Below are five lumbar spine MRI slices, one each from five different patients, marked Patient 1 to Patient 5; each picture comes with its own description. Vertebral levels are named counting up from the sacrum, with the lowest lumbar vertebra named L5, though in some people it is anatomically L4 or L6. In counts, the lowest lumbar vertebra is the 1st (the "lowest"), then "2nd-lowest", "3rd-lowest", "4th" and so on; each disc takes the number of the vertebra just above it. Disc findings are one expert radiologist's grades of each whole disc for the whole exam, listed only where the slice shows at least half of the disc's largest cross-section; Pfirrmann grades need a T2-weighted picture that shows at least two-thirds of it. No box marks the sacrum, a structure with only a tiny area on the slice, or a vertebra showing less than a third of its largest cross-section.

Patient 1 of 5:
Sagittal slice index 8. 658x659 px. MRI lumbar spine (T2-weighted), sagittal plane.

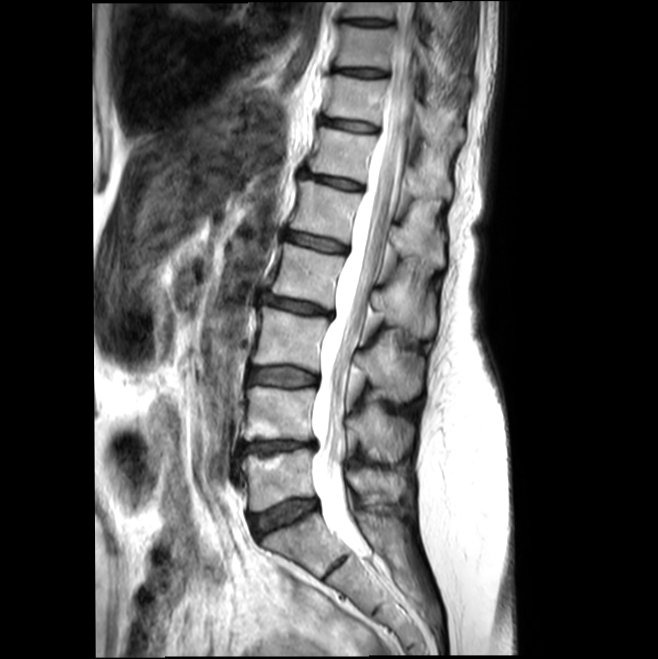

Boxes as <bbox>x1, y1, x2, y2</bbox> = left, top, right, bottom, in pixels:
Intervertebral disc L5/S1 = <bbox>250, 499, 315, 537</bbox>.
Intervertebral disc T10/T11 = <bbox>335, 67, 384, 78</bbox>.
L2 = <bbox>271, 242, 437, 337</bbox>.
L1 = <bbox>289, 181, 444, 271</bbox>.
L5 vertebra = <bbox>241, 448, 405, 511</bbox>.
Intervertebral disc L4/L5 = <bbox>241, 441, 317, 452</bbox>.
T12/L1 = <bbox>301, 172, 365, 190</bbox>.
T9/T10 = <bbox>348, 19, 387, 26</bbox>.
Intervertebral disc L1/L2 = <bbox>286, 232, 348, 254</bbox>.
T11 vertebra = <bbox>324, 74, 464, 152</bbox>.
T10 vertebra = <bbox>336, 22, 468, 87</bbox>.
Intervertebral disc T11/T12 = <bbox>321, 118, 379, 133</bbox>.
T9 vertebra = <bbox>343, 2, 446, 29</bbox>.
L3 vertebra = <bbox>251, 306, 426, 401</bbox>.
Thecal sac / spinal canal = <bbox>311, 2, 414, 552</bbox>.
L3/L4 = <bbox>248, 367, 318, 386</bbox>.
T12 vertebra = <bbox>309, 127, 451, 199</bbox>.
L2/L3 = <bbox>261, 293, 333, 318</bbox>.
L4 vertebra = <bbox>241, 386, 413, 461</bbox>.

Degenerative findings by level:
- T11/T12: Pfirrmann grade 2
- T9/T10: Pfirrmann grade 2
- L4/L5: Pfirrmann grade 3, upper-endplate change, lower-endplate change, disc bulging, Modic type II
- L5/S1: Pfirrmann grade 2, disc bulging
- T10/T11: Pfirrmann grade 2
- L1/L2: Pfirrmann grade 2
- L2/L3: Pfirrmann grade 2, disc bulging
- L3/L4: Pfirrmann grade 2, disc bulging, Modic type II
- T12/L1: Pfirrmann grade 2

Patient 2 of 5:
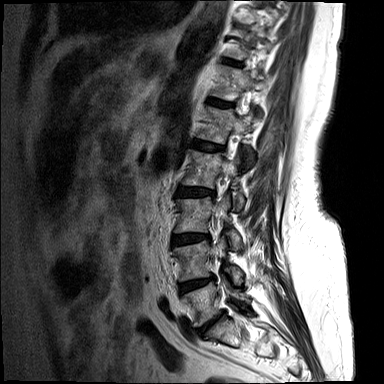 Sex F; Sagittal T2-weighted lumbar spine MRI
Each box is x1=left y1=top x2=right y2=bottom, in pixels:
T12: x1=212 y1=67 x2=263 y2=100 | disc L3/L4: x1=172 y1=233 x2=210 y2=246 | L4 vertebra: x1=173 y1=237 x2=241 y2=285 | spinal canal: x1=216 y1=132 x2=239 y2=218 | L4/L5: x1=179 y1=274 x2=215 y2=293 | L2/L3: x1=177 y1=186 x2=213 y2=196 | L3: x1=174 y1=196 x2=241 y2=250 | L2 vertebra: x1=182 y1=150 x2=243 y2=209 | L1: x1=198 y1=106 x2=254 y2=167 | L5 vertebra: x1=182 y1=279 x2=247 y2=326 | T11/T12: x1=225 y1=59 x2=240 y2=65 | L5/S1: x1=196 y1=313 x2=222 y2=335 | disc L1/L2: x1=192 y1=141 x2=223 y2=150 | disc T12/L1: x1=209 y1=99 x2=233 y2=107

Expert MSK radiologist gradings (per disc):
- L2/L3: Pfirrmann grade 3, Modic type II, disc bulging
- L5/S1: Modic type II, disc narrowing, disc bulging
- L4/L5: Pfirrmann grade 4, disc bulging, disc narrowing
- L3/L4: Pfirrmann grade 4, disc narrowing, disc bulging
- L1/L2: Pfirrmann grade 3, Modic type II
- T12/L1: no herniation, bulging, narrowing, spondylolisthesis, endplate or Modic change recorded

Patient 3 of 5:
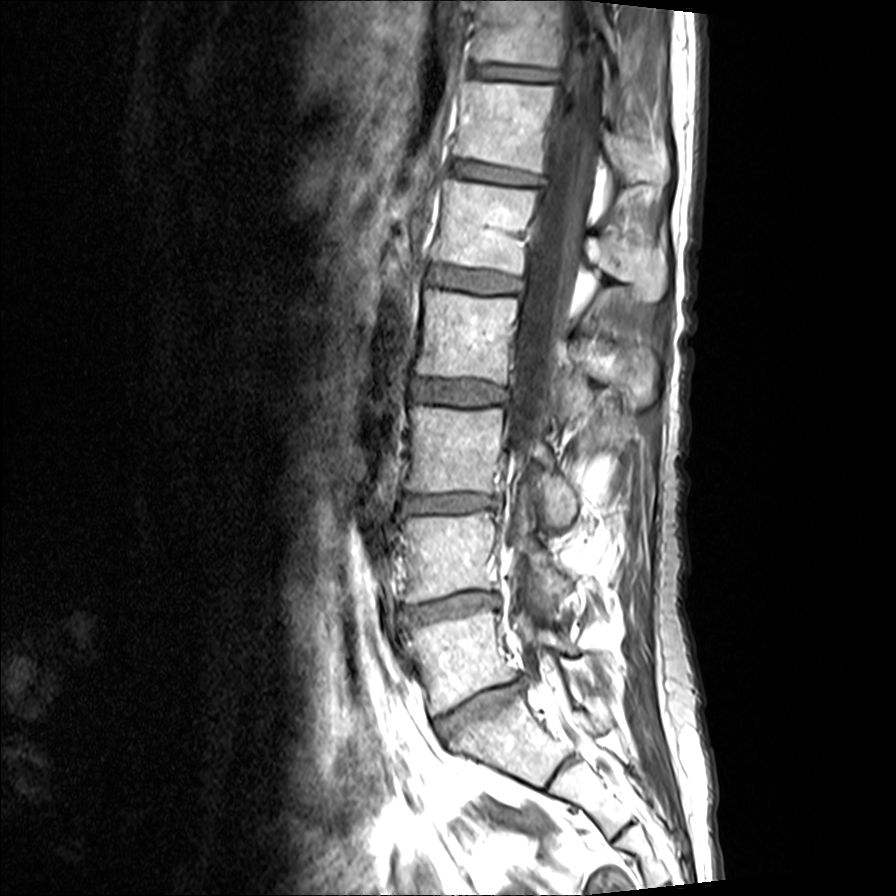 Slice 9/15; Lumbar spine MR, T1-weighted, sagittal; Sex F; Image 896x896
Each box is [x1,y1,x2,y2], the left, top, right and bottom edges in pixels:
* thecal sac / spinal canal: [507,0,598,669]
* IVD T11/T12: [472,62,560,84]
* L2 vertebra: [417,288,657,411]
* L1 vertebra: [436,177,668,300]
* L5/S1: [434,679,522,744]
* T11: [474,0,615,67]
* L3/L4: [401,494,495,511]
* T12/L1: [452,160,539,184]
* IVD L4/L5: [398,591,500,624]
* IVD L2/L3: [413,377,506,404]
* L5 vertebra: [401,610,579,715]
* L1/L2: [428,268,523,292]
* L4: [401,510,570,603]
* L3: [407,404,579,525]
* T12: [457,79,666,184]

Radiological gradings:
  L4/L5: disc narrowing, disc bulging
  L2/L3: Modic type II
  L5/S1: disc narrowing, disc bulging
  L3/L4: disc narrowing, disc bulging
  L1/L2, T12/L1, T11/T12: no spondylolisthesis, narrowing, bulging, herniation, Modic or endplate change recorded

Patient 4 of 5:
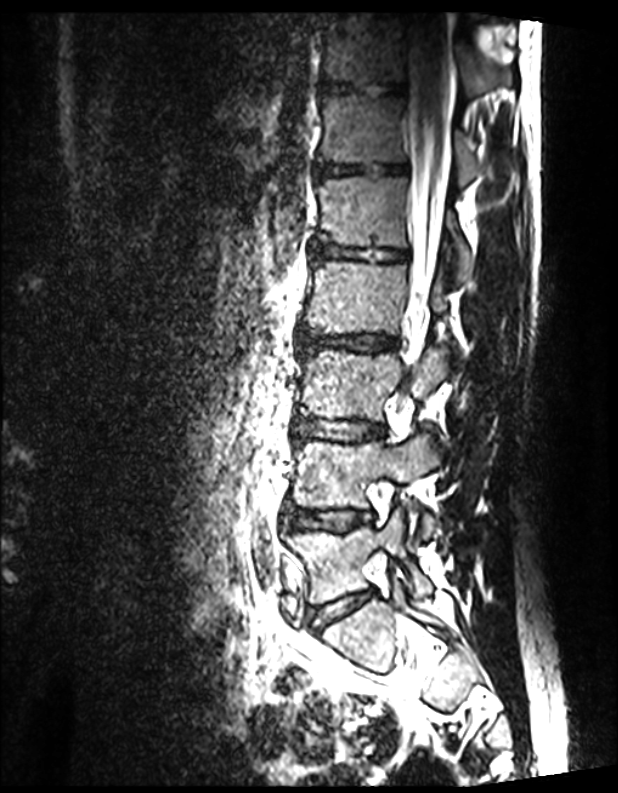
Lumbar spine MR, T2 SPACE (3D), sagittal

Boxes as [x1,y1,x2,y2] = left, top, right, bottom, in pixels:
L4 (2nd-lowest vertebra): [294,436,442,537].
Disc L2/L3 (4th disc): [299,330,398,352].
T11 (7th vertebra): [322,14,511,98].
L2 (4th vertebra): [305,257,450,334].
Disc L4/L5 (2nd-lowest disc): [288,509,372,530].
T12 (6th vertebra): [322,94,478,184].
L3/L4 (3rd-lowest disc): [295,418,385,440].
L3 (3rd-lowest vertebra): [301,347,459,439].
T12/L1 (6th disc): [316,162,408,178].
Disc T11/T12 (7th disc): [322,80,405,94].
Disc L5/S1 (lowest disc): [309,591,372,628].
Disc L1/L2 (5th disc): [312,242,408,262].
Thecal sac / spinal canal: [407,20,449,364].
L1 (5th vertebra): [318,176,472,279].
L5 (lowest vertebra): [288,508,432,602].

Per-level radiological findings:
  L3/L4 (3rd-lowest disc): Pfirrmann grade 1
  L2/L3 (4th disc): Pfirrmann grade 1
  L1/L2 (5th disc): Pfirrmann grade 1
  T12/L1 (6th disc): Pfirrmann grade 1
  T11/T12 (7th disc): Pfirrmann grade 1
  L4/L5 (2nd-lowest disc): no spondylolisthesis, narrowing, bulging, herniation, Modic or endplate change recorded

Patient 5 of 5:
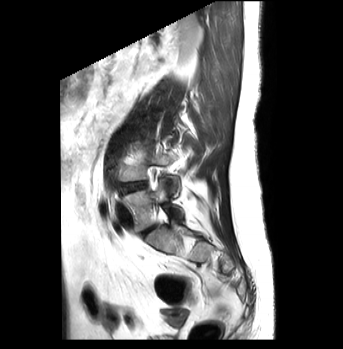

Sagittal slice index 30, Sex F, Sagittal T2-weighted lumbar spine MRI, 343x349 px
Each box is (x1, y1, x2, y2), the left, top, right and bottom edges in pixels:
{"L5 (lowest vertebra)": "(120, 180, 184, 230)", "intervertebral disc L4/L5 (2nd-lowest disc)": "(118, 181, 146, 192)", "intervertebral disc L5/S1 (lowest disc)": "(141, 225, 154, 235)"}

Per-level radiological findings:
- L4/L5 (2nd-lowest disc): Pfirrmann grade 4, lower-endplate change, disc bulging, Modic type II, disc narrowing